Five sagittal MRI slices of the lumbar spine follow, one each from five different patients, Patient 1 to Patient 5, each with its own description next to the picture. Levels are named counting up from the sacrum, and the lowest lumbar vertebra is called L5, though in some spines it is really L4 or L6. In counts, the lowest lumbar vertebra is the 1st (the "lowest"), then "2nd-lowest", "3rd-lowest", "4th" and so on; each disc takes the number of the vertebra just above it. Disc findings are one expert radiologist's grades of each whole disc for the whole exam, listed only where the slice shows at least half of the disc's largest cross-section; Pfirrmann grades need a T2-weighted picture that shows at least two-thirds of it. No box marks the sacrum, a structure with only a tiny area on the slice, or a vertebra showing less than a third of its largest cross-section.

Patient 1 of 5:
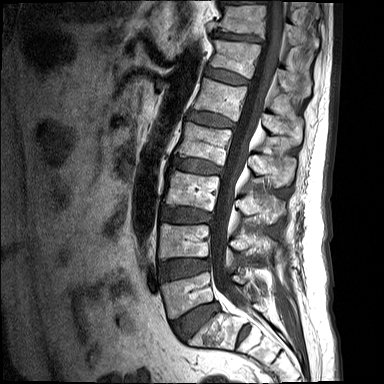 Lumbar spine MR, T1-weighted, sagittal, Patient sex: M
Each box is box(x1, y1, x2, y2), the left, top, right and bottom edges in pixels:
L4 (2nd-lowest vertebra): box(159, 224, 267, 259).
Disc T12/L1 (6th disc): box(205, 67, 249, 84).
L1/L2 (5th disc): box(189, 111, 235, 128).
L2/L3 (4th disc): box(173, 157, 223, 174).
T11 (7th vertebra): box(219, 5, 318, 48).
Disc L3/L4 (3rd-lowest disc): box(161, 207, 212, 223).
Disc T11/T12 (7th disc): box(215, 31, 262, 43).
Disc L5/S1 (lowest disc): box(172, 302, 219, 340).
L5 (lowest vertebra): box(161, 272, 245, 318).
Disc L4/L5 (2nd-lowest disc): box(159, 259, 210, 280).
Thecal sac / spinal canal: box(211, 0, 284, 309).
T12 (6th vertebra): box(210, 40, 310, 99).
L3 (3rd-lowest vertebra): box(163, 171, 284, 223).
L1 (5th vertebra): box(194, 78, 303, 145).
L2 (4th vertebra): box(175, 122, 295, 186).

Degenerative findings by level:
- T11/T12 (7th disc): upper-endplate change, lower-endplate change, disc narrowing
- L2/L3 (4th disc): upper-endplate change, disc bulging, lower-endplate change
- L4/L5 (2nd-lowest disc): disc bulging
- L1/L2 (5th disc): lower-endplate change, upper-endplate change
- L3/L4 (3rd-lowest disc): lower-endplate change, disc bulging, upper-endplate change
- L5/S1 (lowest disc): disc bulging
- T12/L1 (6th disc): no spondylolisthesis, narrowing, bulging, herniation, Modic or endplate change recorded

Patient 2 of 5:
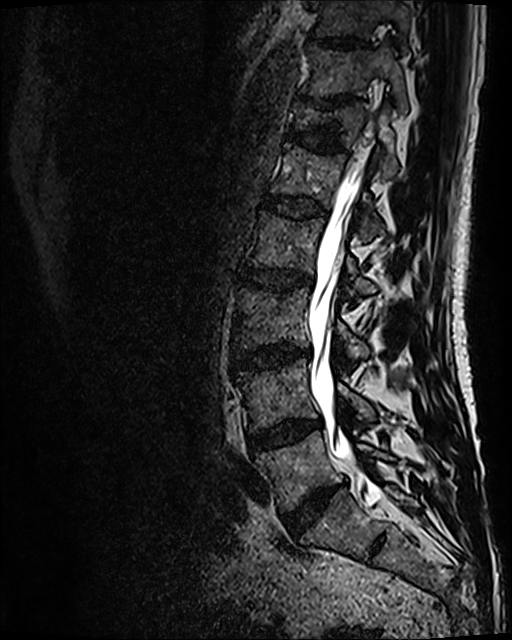
Lumbar spine MR, T2 SPACE (3D), sagittal.
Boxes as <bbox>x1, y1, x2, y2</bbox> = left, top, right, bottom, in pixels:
Segmented structures:
* L1 (5th vertebra) — <bbox>271, 143, 382, 241</bbox>
* disc L5/S1 (lowest disc) — <bbox>283, 487, 336, 534</bbox>
* T12 (6th vertebra) — <bbox>293, 100, 398, 178</bbox>
* T10 (8th vertebra) — <bbox>316, 0, 408, 51</bbox>
* L3/L4 (3rd-lowest disc) — <bbox>231, 346, 309, 372</bbox>
* spinal canal — <bbox>307, 123, 382, 503</bbox>
* T12/L1 (6th disc) — <bbox>288, 127, 343, 151</bbox>
* T11/T12 (7th disc) — <bbox>317, 97, 348, 107</bbox>
* L2 (4th vertebra) — <bbox>248, 211, 377, 298</bbox>
* L4 (2nd-lowest vertebra) — <bbox>236, 358, 375, 432</bbox>
* T11 (7th vertebra) — <bbox>300, 42, 408, 113</bbox>
* disc L2/L3 (4th disc) — <bbox>240, 269, 312, 290</bbox>
* L1/L2 (5th disc) — <bbox>263, 195, 326, 218</bbox>
* disc L4/L5 (2nd-lowest disc) — <bbox>248, 420, 320, 449</bbox>
* L5 (lowest vertebra) — <bbox>256, 431, 393, 511</bbox>
* L3 (3rd-lowest vertebra) — <bbox>235, 287, 369, 359</bbox>
* T10/T11 (8th disc) — <bbox>308, 37, 362, 48</bbox>

Expert MSK radiologist gradings (per disc):
  L5/S1 (lowest disc): Pfirrmann grade 4, disc bulging, disc narrowing
  L2/L3 (4th disc): Pfirrmann grade 3, Modic type II, disc bulging
  T11/T12 (7th disc): lower-endplate change, upper-endplate change, disc narrowing
  L3/L4 (3rd-lowest disc): Pfirrmann grade 4, Modic type II, disc bulging, disc narrowing
  L1/L2 (5th disc): Pfirrmann grade 3
  T12/L1 (6th disc): upper-endplate change, lower-endplate change
  L4/L5 (2nd-lowest disc): Pfirrmann grade 3, disc bulging, Modic type II
  T10/T11 (8th disc): no Modic or endplate change, herniation, narrowing, bulging or spondylolisthesis recorded

Patient 3 of 5:
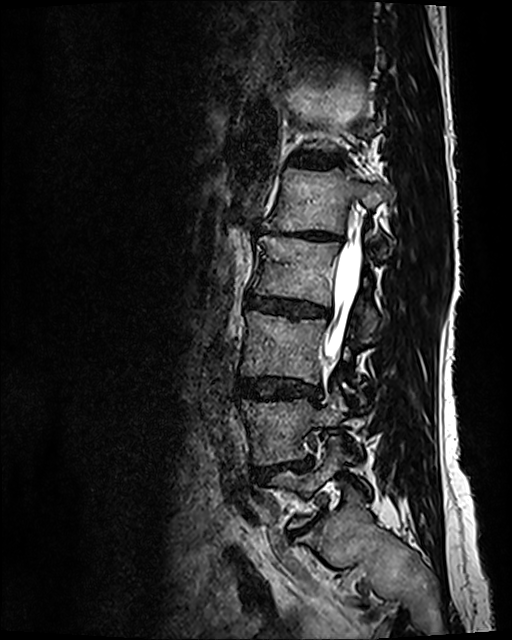 T2 SPACE (3D) sagittal MRI of the lumbar spine. Image 512x640. Sex F.

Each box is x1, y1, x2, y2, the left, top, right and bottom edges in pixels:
3rd-lowest vertebra — 242, 311, 350, 384.
5th disc — 264, 225, 342, 243.
2nd-lowest disc — 253, 460, 310, 479.
6th disc — 293, 154, 339, 167.
Thecal sac / spinal canal — 324, 228, 360, 360.
2nd-lowest vertebra — 242, 385, 348, 465.
4th disc — 248, 295, 329, 317.
Lowest disc — 292, 519, 315, 536.
5th vertebra — 271, 167, 395, 247.
3rd-lowest disc — 239, 377, 321, 399.
4th vertebra — 253, 236, 377, 332.

Per-level radiological findings:
  4th disc: Pfirrmann grade 3, disc narrowing, disc bulging
  5th disc: Pfirrmann grade 5, upper-endplate change, disc narrowing, disc bulging, lower-endplate change, Modic type II
  3rd-lowest disc: Pfirrmann grade 3, disc bulging

Patient 4 of 5:
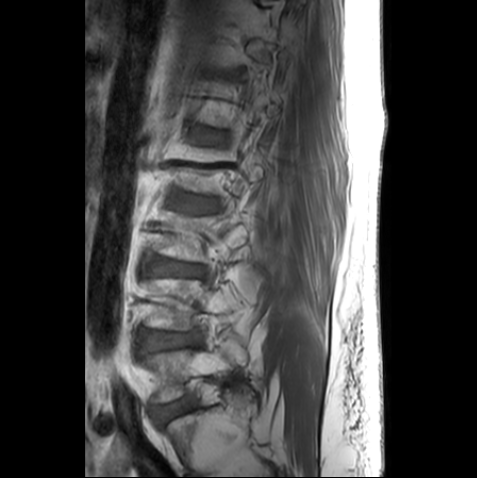 Lumbar spine MR, T1-weighted, sagittal
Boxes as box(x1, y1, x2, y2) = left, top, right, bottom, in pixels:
L5 at box(144, 349, 244, 401); disc L4/L5 at box(144, 330, 200, 349); L3/L4 at box(150, 257, 203, 276); L1/L2 at box(199, 129, 226, 143); disc L2/L3 at box(176, 192, 215, 211).

Patient 5 of 5:
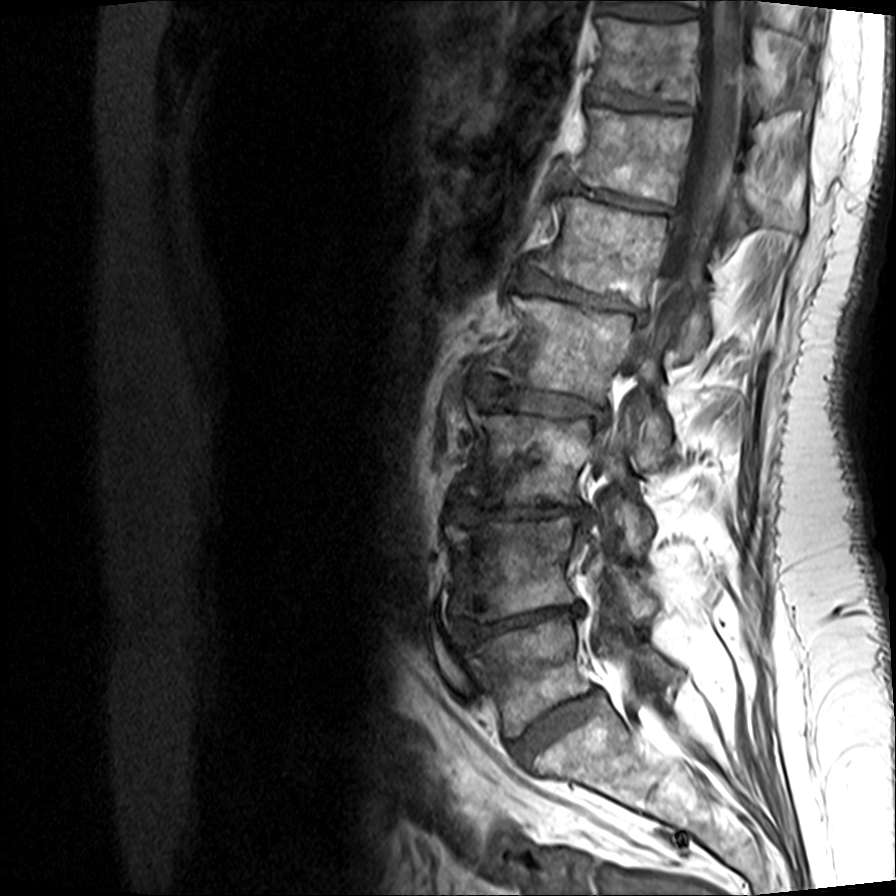

Lumbar spine MR, T1-weighted, sagittal; Slice 10/15; Image 896x896

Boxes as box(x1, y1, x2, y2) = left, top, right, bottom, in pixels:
Segmented structures:
* disc T12/L1: box(566, 179, 671, 212)
* spinal canal: box(586, 0, 741, 701)
* L5/S1: box(511, 692, 599, 763)
* L3: box(461, 404, 654, 553)
* L2 vertebra: box(486, 295, 672, 463)
* L2/L3: box(470, 372, 605, 423)
* L5 vertebra: box(465, 616, 679, 736)
* L4: box(445, 516, 656, 619)
* T11: box(596, 16, 776, 113)
* disc L1/L2: box(519, 271, 645, 321)
* L3/L4: box(449, 496, 587, 523)
* L1 vertebra: box(534, 195, 710, 357)
* disc L4/L5: box(453, 604, 581, 644)
* T12 vertebra: box(572, 106, 804, 235)
* disc T11/T12: box(589, 85, 694, 111)

Degenerative findings by level:
- L4/L5: upper-endplate change, disc herniation, lower-endplate change, disc narrowing, Modic type II
- T12/L1: disc bulging, lower-endplate change, Modic type II, disc narrowing, upper-endplate change
- L3/L4: disc narrowing, disc herniation, Modic type II, upper-endplate change, lower-endplate change
- L2/L3: disc bulging, Modic type II, lower-endplate change, upper-endplate change, disc narrowing
- T11/T12: upper-endplate change, Modic type II, disc narrowing, lower-endplate change
- L5/S1: disc bulging, upper-endplate change, disc narrowing, lower-endplate change, Modic type II
- L1/L2: disc narrowing, Modic type II, upper-endplate change, lower-endplate change, disc bulging